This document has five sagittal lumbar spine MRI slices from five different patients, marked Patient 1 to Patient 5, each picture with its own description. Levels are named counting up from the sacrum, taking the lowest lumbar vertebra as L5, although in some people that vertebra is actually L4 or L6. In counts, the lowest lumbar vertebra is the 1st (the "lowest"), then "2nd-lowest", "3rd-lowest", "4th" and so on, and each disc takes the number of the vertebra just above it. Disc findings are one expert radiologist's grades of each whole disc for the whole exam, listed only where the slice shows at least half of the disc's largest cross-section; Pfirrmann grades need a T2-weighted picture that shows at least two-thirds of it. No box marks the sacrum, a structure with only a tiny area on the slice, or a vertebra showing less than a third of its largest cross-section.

Patient 1 of 5:
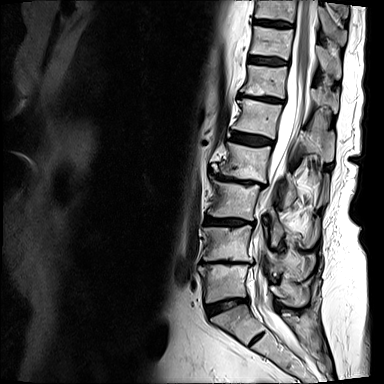 Patient sex: F. Slice 6 of 15. Sagittal T2-weighted lumbar spine MRI.
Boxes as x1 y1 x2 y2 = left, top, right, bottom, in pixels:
L4 vertebra: 203 225 284 275 | IVD L2/L3: 215 175 254 183 | L5/S1: 206 298 249 315 | T12: 241 65 337 111 | T11: 251 26 341 78 | IVD T10/T11: 255 20 292 26 | T10 vertebra: 256 0 347 47 | L1 vertebra: 234 98 333 161 | L5 vertebra: 199 264 285 302 | thecal sac / spinal canal: 253 0 316 347 | L2: 217 142 298 206 | IVD L4/L5: 202 261 248 263 | IVD T12/L1: 239 94 282 102 | L3/L4: 205 217 246 225 | T11/T12: 248 56 286 65 | L3 vertebra: 208 176 283 244 | L1/L2: 233 132 273 145

Expert MSK radiologist gradings (per disc):
  L4/L5: Pfirrmann grade 5, disc narrowing, upper-endplate change, disc bulging, Modic type II, lower-endplate change
  L1/L2: Pfirrmann grade 4, disc bulging, upper-endplate change, lower-endplate change
  T11/T12: Pfirrmann grade 4
  L5/S1: Pfirrmann grade 3, disc narrowing, Modic type II, upper-endplate change, disc bulging, lower-endplate change
  L2/L3: Pfirrmann grade 5, disc narrowing, disc bulging, Modic type II, spondylolisthesis, lower-endplate change, upper-endplate change
  T10/T11: Pfirrmann grade 4
  T12/L1: Pfirrmann grade 5, upper-endplate change, disc narrowing, disc bulging, lower-endplate change, Modic type II
  L3/L4: Pfirrmann grade 4, lower-endplate change, upper-endplate change, disc bulging

Patient 2 of 5:
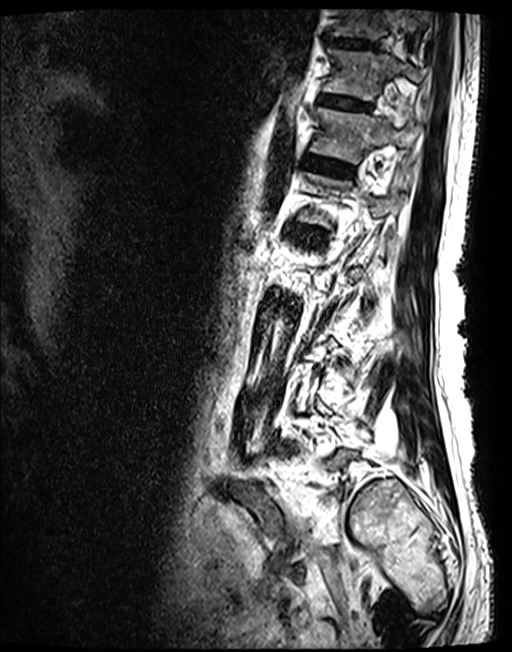 Sex M. Slice 42/143. Lumbar spine MR, T2 SPACE (3D), sagittal.

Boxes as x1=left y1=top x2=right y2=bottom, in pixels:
7th disc: x1=319 y1=95 x2=370 y2=109.
6th disc: x1=303 y1=155 x2=353 y2=175.
6th vertebra: x1=310 y1=108 x2=421 y2=163.
8th vertebra: x1=328 y1=9 x2=427 y2=40.
7th vertebra: x1=322 y1=49 x2=424 y2=100.
5th disc: x1=293 y1=226 x2=326 y2=242.
8th disc: x1=324 y1=37 x2=377 y2=48.

Expert MSK radiologist gradings (per disc):
• 6th disc: Pfirrmann grade 3
• 8th disc: Pfirrmann grade 3
• 7th disc: no herniation, bulging, narrowing, spondylolisthesis, endplate or Modic change recorded

Patient 3 of 5:
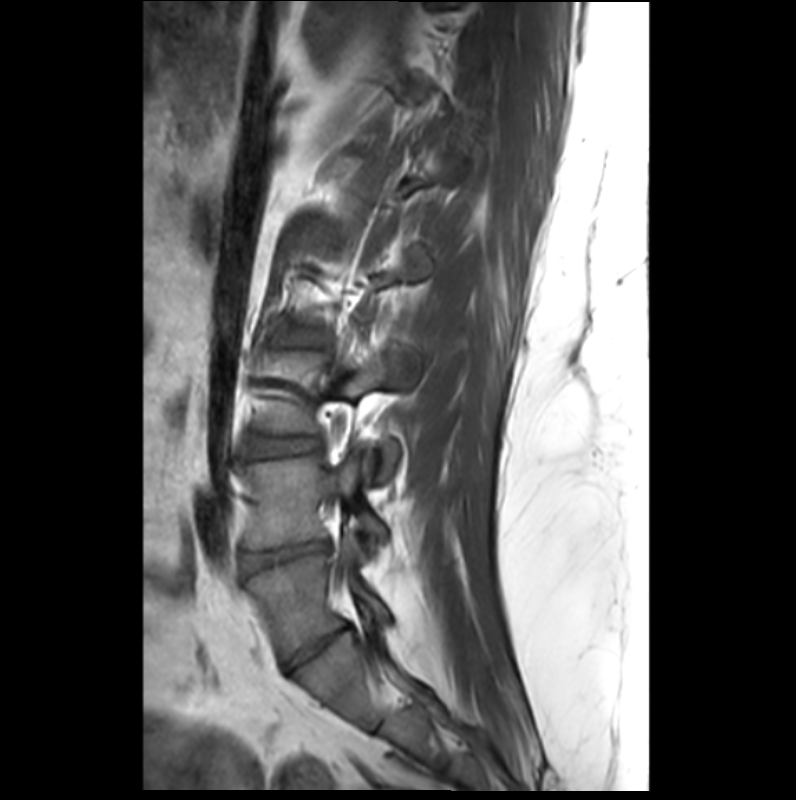 Lumbar spine MR, T1-weighted, sagittal; 796x800 px; Patient sex: M; Sagittal slice index 11

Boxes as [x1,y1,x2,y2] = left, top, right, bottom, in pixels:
L4/L5: [242,542,326,570].
Disc L3/L4: [252,436,317,456].
L4 vertebra: [245,456,386,548].
L5: [248,532,391,661].
L5/S1: [284,625,352,671].

Per-level radiological findings:
• L5/S1: disc narrowing
• L3/L4: no spondylolisthesis, narrowing, bulging, herniation, Modic or endplate change recorded

Patient 4 of 5:
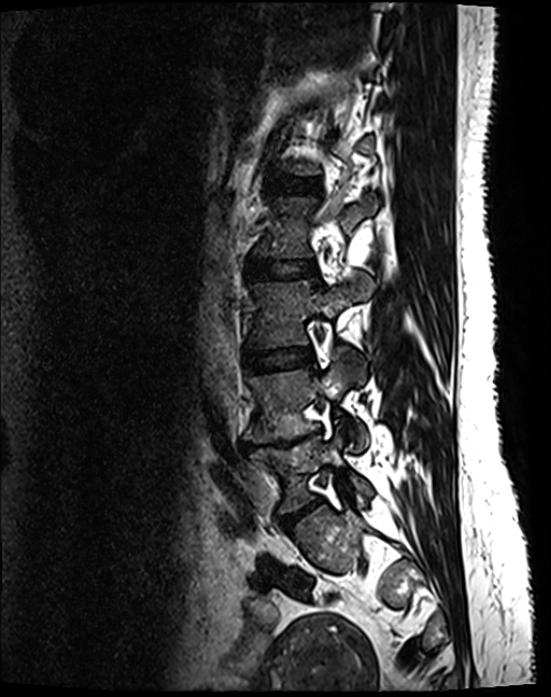

MRI lumbar spine (T2 SPACE (3D)), sagittal plane | Slice 48 of 130
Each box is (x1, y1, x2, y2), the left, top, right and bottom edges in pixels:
3rd-lowest vertebra at (251, 276, 375, 347), 4th disc at (248, 260, 314, 277), 2nd-lowest disc at (242, 431, 319, 450), 2nd-lowest vertebra at (244, 354, 367, 448), lowest disc at (283, 499, 321, 524), 4th vertebra at (261, 197, 376, 257), 3rd-lowest disc at (243, 348, 311, 371), 5th disc at (272, 178, 314, 191), lowest vertebra at (250, 434, 371, 512).

Radiological gradings:
  3rd-lowest disc: Pfirrmann grade 2
  4th disc: Pfirrmann grade 2

Patient 5 of 5:
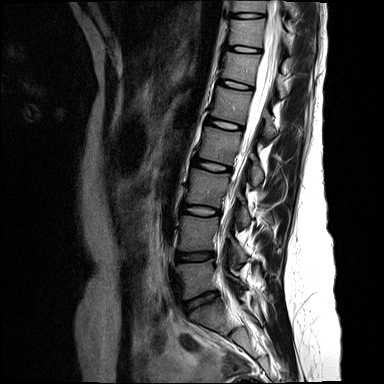
Patient sex: F | T2-weighted sagittal MRI of the lumbar spine
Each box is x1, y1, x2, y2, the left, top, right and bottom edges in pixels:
Structures:
- 4th disc — 194, 159, 230, 171
- 5th disc — 206, 118, 241, 129
- lowest vertebra — 177, 260, 246, 299
- 3rd-lowest disc — 182, 204, 219, 215
- 5th vertebra — 211, 87, 276, 139
- 8th disc — 234, 13, 263, 17
- 7th disc — 226, 45, 259, 52
- 4th vertebra — 199, 126, 263, 185
- 3rd-lowest vertebra — 187, 168, 250, 225
- lowest disc — 185, 292, 217, 311
- 6th vertebra — 223, 51, 286, 97
- thecal sac / spinal canal — 224, 2, 279, 225
- 7th vertebra — 229, 19, 288, 47
- 6th disc — 219, 80, 251, 89
- 8th vertebra — 233, 1, 293, 12
- 2nd-lowest disc — 178, 252, 214, 261
- 2nd-lowest vertebra — 179, 215, 246, 262

Expert MSK radiologist gradings (per disc):
- 8th disc: Pfirrmann grade 1
- 7th disc: Pfirrmann grade 1
- 5th disc: Pfirrmann grade 1
- 2nd-lowest disc: Pfirrmann grade 2
- 4th disc: Pfirrmann grade 1
- 3rd-lowest disc: Pfirrmann grade 1
- 6th disc: Pfirrmann grade 1
- lowest disc: no Modic or endplate change, herniation, narrowing, bulging or spondylolisthesis recorded